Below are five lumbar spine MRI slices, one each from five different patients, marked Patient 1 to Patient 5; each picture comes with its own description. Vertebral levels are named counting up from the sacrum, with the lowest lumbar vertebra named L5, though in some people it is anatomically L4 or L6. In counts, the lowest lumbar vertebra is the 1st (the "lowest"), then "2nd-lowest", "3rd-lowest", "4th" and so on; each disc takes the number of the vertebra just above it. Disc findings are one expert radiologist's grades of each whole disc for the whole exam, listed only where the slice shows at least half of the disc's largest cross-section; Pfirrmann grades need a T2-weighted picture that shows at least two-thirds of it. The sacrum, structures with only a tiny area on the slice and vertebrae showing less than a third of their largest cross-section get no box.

Patient 1 of 5:
Slice 14 of 24. MRI lumbar spine (T2-weighted), sagittal plane. Sex M. Image 512x517.
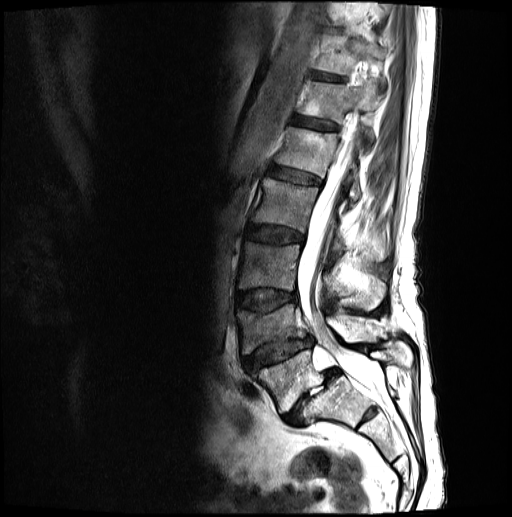
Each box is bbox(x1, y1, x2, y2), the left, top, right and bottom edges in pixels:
6th disc: bbox(292, 118, 338, 131)
4th disc: bbox(246, 225, 303, 244)
lowest vertebra: bbox(249, 341, 412, 413)
2nd-lowest vertebra: bbox(236, 304, 373, 355)
6th vertebra: bbox(298, 81, 378, 142)
5th disc: bbox(269, 165, 321, 184)
3rd-lowest disc: bbox(235, 290, 296, 310)
7th vertebra: bbox(312, 36, 385, 86)
2nd-lowest disc: bbox(241, 337, 311, 369)
spinal canal: bbox(296, 131, 380, 392)
3rd-lowest vertebra: bbox(238, 242, 385, 310)
lowest disc: bbox(283, 368, 338, 426)
5th vertebra: bbox(275, 128, 362, 200)
7th disc: bbox(311, 73, 345, 82)
4th vertebra: bbox(252, 179, 383, 261)

Radiological gradings:
- 5th disc: Pfirrmann grade 3
- 6th disc: Pfirrmann grade 3
- lowest disc: Pfirrmann grade 5, spondylolisthesis, Modic type II, disc narrowing, disc herniation
- 4th disc: Pfirrmann grade 3, disc bulging
- 2nd-lowest disc: Pfirrmann grade 3, upper-endplate change, lower-endplate change, spondylolisthesis, disc narrowing, disc herniation
- 3rd-lowest disc: Pfirrmann grade 3, upper-endplate change, lower-endplate change, disc bulging

Patient 2 of 5:
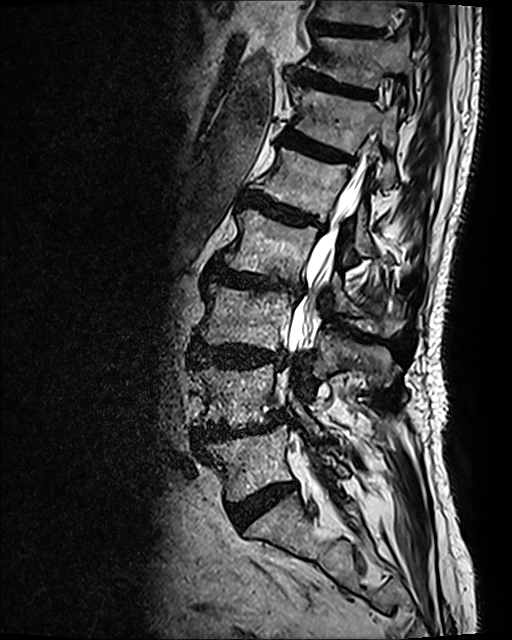 Lumbar spine MR, T2 SPACE (3D), sagittal; Sex M
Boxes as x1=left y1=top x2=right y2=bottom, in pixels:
T11 (7th vertebra): x1=305 y1=32 x2=413 y2=105 | thecal sac / spinal canal: x1=288 y1=139 x2=372 y2=355 | T10/T11 (8th disc): x1=307 y1=22 x2=381 y2=39 | L4/L5 (2nd-lowest disc): x1=193 y1=412 x2=283 y2=450 | T12 (6th vertebra): x1=290 y1=87 x2=396 y2=191 | L3 (3rd-lowest vertebra): x1=197 y1=283 x2=398 y2=376 | T10 (8th vertebra): x1=312 y1=0 x2=425 y2=40 | T12/L1 (6th disc): x1=282 y1=130 x2=345 y2=159 | L1 (5th vertebra): x1=256 y1=148 x2=374 y2=255 | L4 (2nd-lowest vertebra): x1=194 y1=364 x2=318 y2=432 | L5 (lowest vertebra): x1=207 y1=425 x2=347 y2=501 | intervertebral disc T11/T12 (7th disc): x1=293 y1=69 x2=373 y2=98 | L2 (4th vertebra): x1=225 y1=209 x2=405 y2=336 | L5/S1 (lowest disc): x1=229 y1=480 x2=297 y2=527 | L2/L3 (4th disc): x1=213 y1=264 x2=302 y2=293 | L3/L4 (3rd-lowest disc): x1=189 y1=342 x2=282 y2=367 | intervertebral disc L1/L2 (5th disc): x1=242 y1=193 x2=320 y2=227

Degenerative findings by level:
  L5/S1 (lowest disc): Pfirrmann grade 4
  T10/T11 (8th disc): Pfirrmann grade 3
  L2/L3 (4th disc): Pfirrmann grade 4, lower-endplate change, disc bulging, disc narrowing, Modic type I, upper-endplate change
  L4/L5 (2nd-lowest disc): disc herniation, lower-endplate change, spondylolisthesis, disc bulging, Modic type II, disc narrowing, upper-endplate change
  L1/L2 (5th disc): Pfirrmann grade 4, upper-endplate change, disc bulging, Modic type II, lower-endplate change
  L3/L4 (3rd-lowest disc): Pfirrmann grade 4, lower-endplate change, disc bulging, upper-endplate change
  T12/L1 (6th disc): disc bulging, upper-endplate change, lower-endplate change, Modic type II
  T11/T12 (7th disc): Pfirrmann grade 4, upper-endplate change, disc bulging, lower-endplate change

Patient 3 of 5:
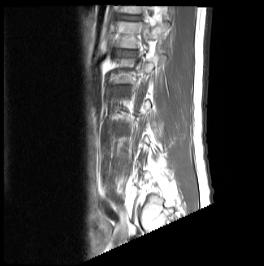 Field of view 264x266 mm, slice spacing 4.7 mm. Lumbar spine MR, T1-weighted, sagittal.
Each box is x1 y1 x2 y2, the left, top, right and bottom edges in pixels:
T12/L1: 121 15 139 20
L1 vertebra: 117 21 169 48

Radiological gradings:
  T12/L1: upper-endplate change, lower-endplate change

Patient 4 of 5:
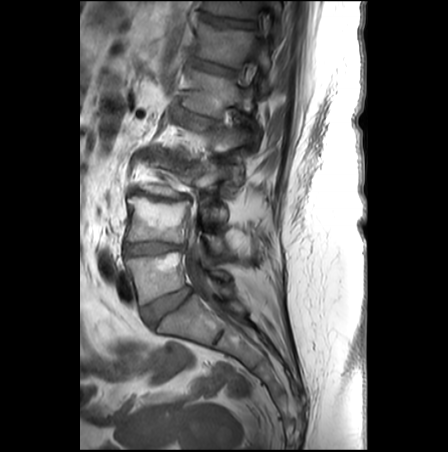 T1-weighted sagittal MRI of the lumbar spine, Sagittal slice index 16, Patient sex: F

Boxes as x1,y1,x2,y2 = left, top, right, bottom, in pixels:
L4 (2nd-lowest vertebra): 126,196,225,251 | T11/T12 (7th disc): 203,13,257,28 | T12/L1 (6th disc): 190,57,239,74 | disc L5/S1 (lowest disc): 141,287,191,326 | disc L4/L5 (2nd-lowest disc): 123,242,182,255 | L3/L4 (3rd-lowest disc): 132,188,193,202 | L5 (lowest vertebra): 126,252,229,304 | L1/L2 (5th disc): 179,106,214,124 | spinal canal: 186,33,265,320 | T11 (7th vertebra): 204,0,282,37 | T12 (6th vertebra): 195,21,270,90 | L3 (3rd-lowest vertebra): 142,158,237,220 | disc L2/L3 (4th disc): 161,153,196,164 | L1 (5th vertebra): 182,66,256,138

Degenerative findings by level:
- L4/L5 (2nd-lowest disc): upper-endplate change, disc narrowing, Modic type II, disc bulging, lower-endplate change
- T11/T12 (7th disc): upper-endplate change, lower-endplate change
- T12/L1 (6th disc): upper-endplate change, Modic type II, lower-endplate change
- L1/L2 (5th disc): disc narrowing, lower-endplate change, upper-endplate change, disc bulging, Modic type II, spondylolisthesis
- L3/L4 (3rd-lowest disc): disc narrowing, lower-endplate change, upper-endplate change, Modic type II, disc bulging
- L5/S1 (lowest disc): no herniation, bulging, narrowing, spondylolisthesis, endplate or Modic change recorded

Patient 5 of 5:
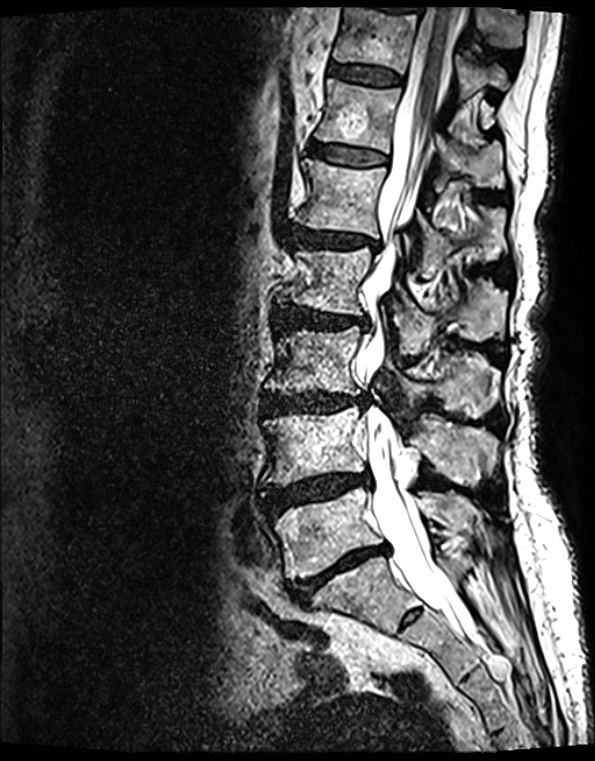

Sagittal T2 SPACE (3D) lumbar spine MRI | Slice 65 of 139
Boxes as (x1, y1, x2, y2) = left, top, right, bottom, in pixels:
Segmented structures:
• 5th disc at (293, 228, 372, 247)
• 4th vertebra at (292, 249, 507, 353)
• 2nd-lowest disc at (266, 473, 370, 514)
• 3rd-lowest disc at (263, 394, 365, 411)
• 7th vertebra at (334, 8, 507, 99)
• 4th disc at (278, 309, 364, 328)
• 3rd-lowest vertebra at (266, 328, 500, 418)
• thecal sac / spinal canal at (362, 8, 473, 634)
• 2nd-lowest vertebra at (264, 406, 497, 487)
• lowest vertebra at (274, 488, 483, 579)
• 6th vertebra at (315, 80, 505, 187)
• lowest disc at (291, 546, 386, 603)
• 6th disc at (310, 144, 384, 167)
• 7th disc at (329, 65, 401, 85)
• 5th vertebra at (299, 161, 504, 277)

Degenerative findings by level:
  3rd-lowest disc: Pfirrmann grade 4, lower-endplate change, Modic type II, disc bulging, upper-endplate change, disc narrowing
  5th disc: Pfirrmann grade 4, disc bulging, Modic type II, disc narrowing, lower-endplate change, upper-endplate change
  lowest disc: Pfirrmann grade 5, disc bulging, Modic type II, upper-endplate change, disc narrowing, lower-endplate change
  4th disc: Pfirrmann grade 4, Modic type II, upper-endplate change, disc narrowing, disc bulging, lower-endplate change
  6th disc: Pfirrmann grade 2, Modic type II, lower-endplate change, upper-endplate change
  2nd-lowest disc: Pfirrmann grade 4, Modic type II, disc herniation, lower-endplate change, disc bulging, disc narrowing, upper-endplate change
  7th disc: Pfirrmann grade 2, Modic type II, lower-endplate change, upper-endplate change